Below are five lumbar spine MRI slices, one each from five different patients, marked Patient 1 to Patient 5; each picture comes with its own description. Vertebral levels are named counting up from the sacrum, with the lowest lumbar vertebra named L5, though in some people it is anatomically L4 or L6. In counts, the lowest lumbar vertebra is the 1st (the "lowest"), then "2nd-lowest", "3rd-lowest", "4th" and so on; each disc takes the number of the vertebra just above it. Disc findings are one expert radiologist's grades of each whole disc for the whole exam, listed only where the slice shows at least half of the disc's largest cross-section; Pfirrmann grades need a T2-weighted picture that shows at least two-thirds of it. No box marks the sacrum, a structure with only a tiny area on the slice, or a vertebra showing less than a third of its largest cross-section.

Patient 1 of 5:
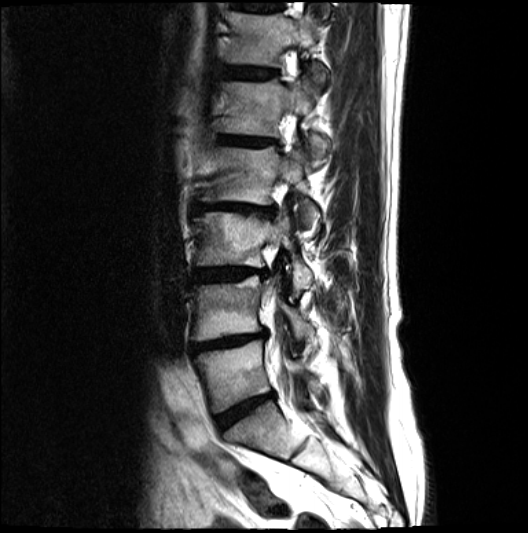
Image 528x533 | Slice 7 of 18 | Slice spacing 4.8 mm | T2-weighted sagittal MRI of the lumbar spine

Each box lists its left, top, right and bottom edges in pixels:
disc L5/S1: left=217, top=394, right=273, bottom=429
L4 vertebra: left=192, top=277, right=314, bottom=341
L3: left=192, top=213, right=312, bottom=296
disc L1/L2: left=216, top=135, right=277, bottom=146
disc L4/L5: left=192, top=333, right=264, bottom=352
L2 vertebra: left=194, top=148, right=319, bottom=239
disc L2/L3: left=191, top=204, right=274, bottom=214
T12 vertebra: left=225, top=10, right=326, bottom=88
disc T12/L1: left=223, top=68, right=277, bottom=79
thecal sac / spinal canal: left=264, top=286, right=281, bottom=364
L1: left=214, top=80, right=328, bottom=166
L3/L4: left=194, top=268, right=268, bottom=283
L5: left=194, top=340, right=315, bottom=413

Per-level radiological findings:
  L3/L4: Pfirrmann grade 4, disc bulging, disc narrowing, Modic type II
  T12/L1: Pfirrmann grade 3
  L4/L5: Pfirrmann grade 5, upper-endplate change, Modic type II, disc narrowing, lower-endplate change, disc bulging
  L2/L3: Pfirrmann grade 5, disc narrowing, disc bulging, lower-endplate change, Modic type II, upper-endplate change
  L1/L2: Pfirrmann grade 5, lower-endplate change, Modic type II, upper-endplate change, disc bulging, disc narrowing
  L5/S1: Pfirrmann grade 4, Modic type II, disc narrowing, disc bulging

Patient 2 of 5:
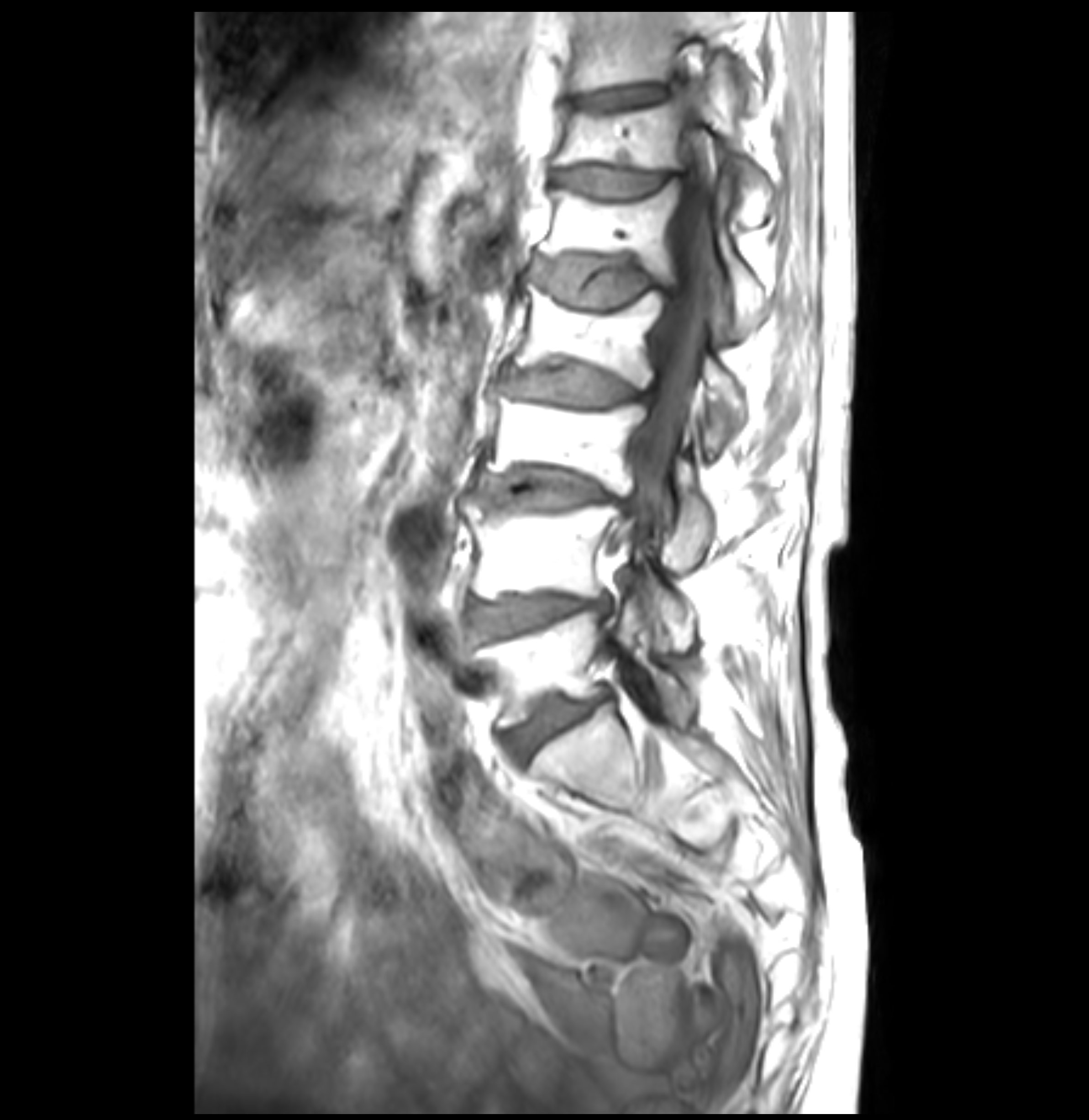 MRI lumbar spine (T1-weighted), sagittal plane. Sex F. Slice 20/36.

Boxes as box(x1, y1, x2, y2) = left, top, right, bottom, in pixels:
Annotations:
* IVD L3/L4 (3rd-lowest disc): box(479, 471, 634, 512)
* thecal sac / spinal canal: box(627, 108, 726, 524)
* L5 (lowest vertebra): box(477, 602, 688, 727)
* IVD L4/L5 (2nd-lowest disc): box(469, 595, 612, 637)
* L2 (4th vertebra): box(516, 284, 743, 453)
* IVD L2/L3 (4th disc): box(508, 362, 651, 405)
* L3 (3rd-lowest vertebra): box(484, 387, 712, 564)
* L1 (5th vertebra): box(540, 183, 765, 333)
* IVD T11/T12 (7th disc): box(562, 83, 675, 110)
* L4 (2nd-lowest vertebra): box(462, 497, 692, 644)
* T11 (7th vertebra): box(571, 10, 761, 108)
* IVD L5/S1 (lowest disc): box(508, 695, 605, 758)
* IVD T12/L1 (6th disc): box(552, 167, 673, 199)
* IVD L1/L2 (5th disc): box(535, 258, 671, 307)
* T12 (6th vertebra): box(554, 73, 773, 227)

Per-level radiological findings:
• L4/L5 (2nd-lowest disc): lower-endplate change, Modic type II, disc bulging, upper-endplate change
• T11/T12 (7th disc): lower-endplate change, Modic type II, upper-endplate change
• L1/L2 (5th disc): lower-endplate change, disc bulging, Modic type II, upper-endplate change
• L2/L3 (4th disc): disc bulging, Modic type II, disc narrowing, lower-endplate change, upper-endplate change
• T12/L1 (6th disc): upper-endplate change, lower-endplate change, Modic type II
• L3/L4 (3rd-lowest disc): upper-endplate change, disc bulging, disc narrowing, lower-endplate change, Modic type II

Patient 3 of 5:
Sagittal slice index 3, 512x512 px, Sagittal T1-weighted lumbar spine MRI

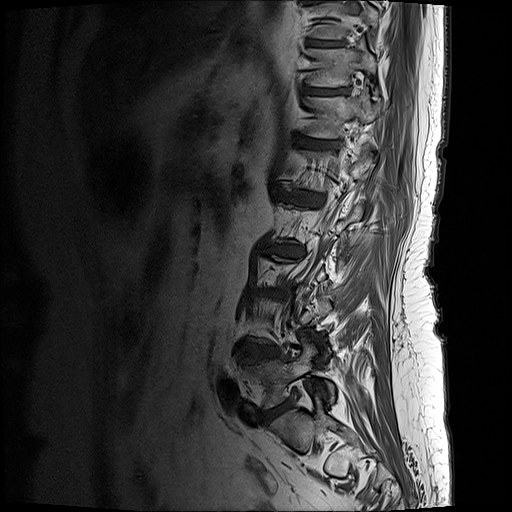 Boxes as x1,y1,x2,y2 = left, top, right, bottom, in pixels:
Disc L4/L5 at 238,344,282,361; L5 at 242,343,334,409; T11/T12 at 309,89,349,94; disc L5/S1 at 262,403,290,423; disc T10/T11 at 309,39,341,46; T12/L1 at 297,139,338,147; T11 vertebra at 306,47,376,86; T12 vertebra at 304,91,380,138; disc L2/L3 at 259,241,304,256; disc L1/L2 at 280,192,323,205.

Expert MSK radiologist gradings (per disc):
- L1/L2: lower-endplate change, upper-endplate change, disc bulging, disc narrowing, Modic type II
- L4/L5: disc bulging, lower-endplate change, upper-endplate change
- T10/T11: lower-endplate change, upper-endplate change
- L2/L3: Modic type II, lower-endplate change, disc narrowing, disc bulging, upper-endplate change
- T12/L1: Modic type II, upper-endplate change, lower-endplate change
- T11/T12: upper-endplate change, lower-endplate change

Patient 4 of 5:
MRI lumbar spine (T1-weighted), sagittal plane

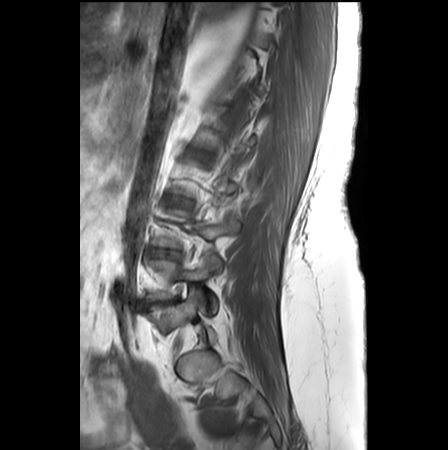 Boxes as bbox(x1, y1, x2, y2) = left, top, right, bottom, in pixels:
{"2nd-lowest disc": "bbox(147, 247, 179, 259)", "lowest vertebra": "bbox(146, 253, 222, 313)", "lowest disc": "bbox(143, 297, 178, 305)", "3rd-lowest disc": "bbox(165, 196, 191, 207)"}

Patient 5 of 5:
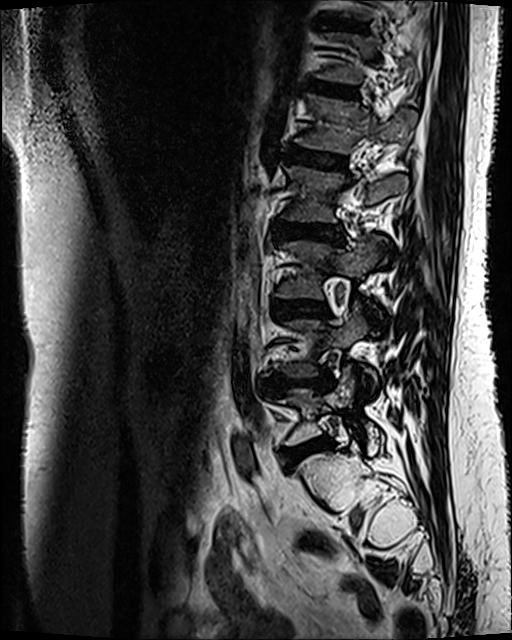 MRI lumbar spine (T2 SPACE (3D)), sagittal plane
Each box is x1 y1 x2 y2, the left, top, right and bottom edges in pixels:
Disc L1/L2: 284 147 346 169.
Disc L3/L4: 273 301 328 317.
T11/T12: 344 24 361 28.
Disc L4/L5: 260 374 331 393.
L5: 276 375 379 446.
L3 vertebra: 276 240 379 298.
L2/L3: 275 223 344 241.
L1 vertebra: 295 94 415 153.
L2: 286 167 407 221.
Disc L5/S1: 283 436 332 466.
T12/L1: 308 82 359 98.

Radiological gradings:
- L3/L4: Pfirrmann grade 3, disc bulging, Modic type II
- L1/L2: Pfirrmann grade 3, Modic type II
- L2/L3: Pfirrmann grade 3, Modic type II, disc bulging
- T12/L1: Pfirrmann grade 3, Modic type II